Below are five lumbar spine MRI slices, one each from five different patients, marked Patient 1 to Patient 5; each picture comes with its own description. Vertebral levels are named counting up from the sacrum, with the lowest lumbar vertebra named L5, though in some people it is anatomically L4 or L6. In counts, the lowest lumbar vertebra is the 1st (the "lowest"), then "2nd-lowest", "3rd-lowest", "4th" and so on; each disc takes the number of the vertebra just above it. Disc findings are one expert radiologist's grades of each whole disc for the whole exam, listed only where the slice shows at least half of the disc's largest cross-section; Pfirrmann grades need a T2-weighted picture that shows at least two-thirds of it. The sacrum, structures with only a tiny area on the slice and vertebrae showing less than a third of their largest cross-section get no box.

Patient 1 of 5:
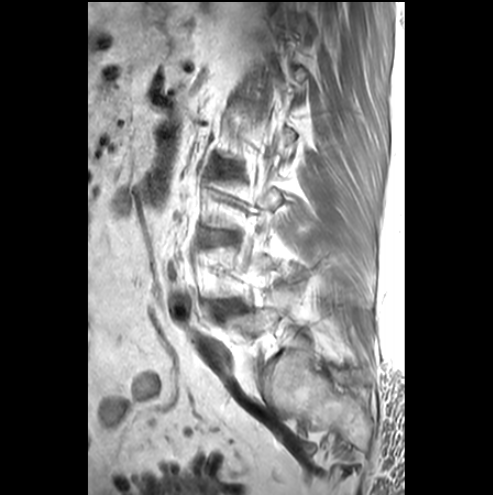

Image 493x495 | MRI lumbar spine (T1-weighted), sagittal plane
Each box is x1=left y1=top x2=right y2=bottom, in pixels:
- IVD L3/L4 (3rd-lowest disc) = x1=209 y1=232 x2=234 y2=242
- IVD L4/L5 (2nd-lowest disc) = x1=214 y1=300 x2=240 y2=315

Patient 2 of 5:
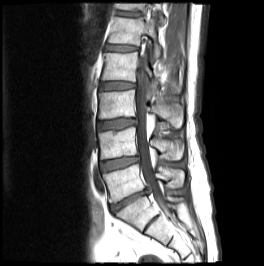 MRI lumbar spine (T1-weighted), sagittal plane; Field of view 264x266 mm; Patient sex: M; 264x266 px
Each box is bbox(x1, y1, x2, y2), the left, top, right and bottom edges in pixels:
4th disc at bbox(100, 83, 135, 89); lowest disc at bbox(110, 187, 151, 212); 2nd-lowest disc at bbox(100, 158, 137, 170); 5th disc at bbox(106, 46, 137, 51); 5th vertebra at bbox(108, 15, 161, 59); 3rd-lowest disc at bbox(98, 120, 136, 130); 2nd-lowest vertebra at bbox(98, 127, 183, 159); 4th vertebra at bbox(101, 52, 180, 91); lowest vertebra at bbox(103, 164, 183, 202); 6th vertebra at bbox(117, 4, 165, 24); 6th disc at bbox(116, 11, 141, 16); 3rd-lowest vertebra at bbox(98, 90, 182, 128); thecal sac / spinal canal at bbox(135, 53, 168, 212).

Per-level radiological findings:
  2nd-lowest disc: disc bulging
  3rd-lowest disc: disc bulging, upper-endplate change
  6th disc: lower-endplate change, upper-endplate change
  lowest disc: disc narrowing, disc bulging, disc herniation, Modic type II
  5th disc: upper-endplate change, lower-endplate change, Modic type II
  4th disc: Modic type II

Patient 3 of 5:
SIEMENS Avanto_fit (1.5T) | Lumbar spine MR, T2-weighted, sagittal | Sagittal slice index 4

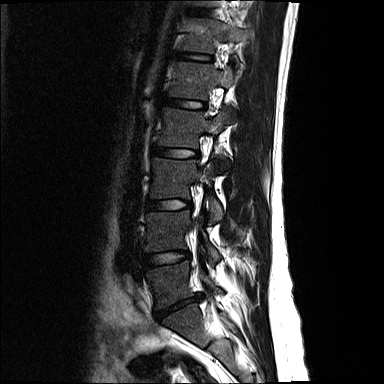

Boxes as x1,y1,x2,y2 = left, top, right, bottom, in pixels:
{"L5": "146,261,222,308", "disc T12/L1": "175,52,209,60", "L5/S1": "156,294,201,318", "L2": "158,107,234,167", "T12 vertebra": "181,19,250,53", "L1": "169,62,239,99", "L4/L5": "144,251,189,267", "L3": "150,158,222,222", "disc L1/L2": "163,97,204,108", "L4 vertebra": "145,210,220,263", "L2/L3": "153,147,197,157", "L3/L4": "146,200,191,209"}

Per-level radiological findings:
- L3/L4: Pfirrmann grade 2
- L4/L5: Pfirrmann grade 2, disc bulging
- L5/S1: Pfirrmann grade 5, disc narrowing, disc herniation
- L2/L3: Pfirrmann grade 2
- L1/L2: Pfirrmann grade 2
- T12/L1: Pfirrmann grade 2

Patient 4 of 5:
MRI lumbar spine (T1-weighted), sagittal plane, Image 559x578, Scanner: Philips Healthcare Ingenia (3T)

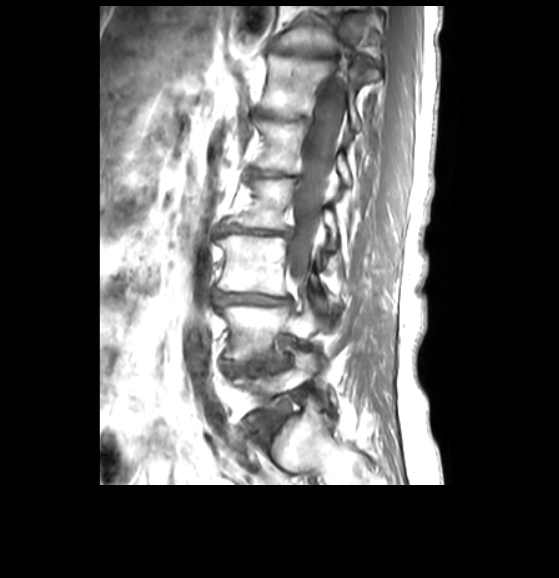
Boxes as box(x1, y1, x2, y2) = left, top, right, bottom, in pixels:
Annotations:
• 4th vertebra — box(225, 179, 337, 248)
• 4th disc — box(220, 225, 291, 235)
• 5th vertebra — box(255, 120, 351, 183)
• thecal sac / spinal canal — box(286, 69, 345, 289)
• 5th disc — box(248, 169, 294, 176)
• 3rd-lowest disc — box(215, 291, 289, 304)
• lowest vertebra — box(233, 352, 317, 419)
• 6th vertebra — box(261, 54, 361, 129)
• 6th disc — box(258, 110, 310, 120)
• 7th vertebra — box(277, 27, 337, 53)
• 2nd-lowest disc — box(225, 360, 286, 374)
• 3rd-lowest vertebra — box(218, 235, 331, 310)
• 7th disc — box(276, 48, 334, 58)
• 2nd-lowest vertebra — box(218, 300, 322, 364)

Expert MSK radiologist gradings (per disc):
- 2nd-lowest disc: disc bulging
- 7th disc: disc narrowing
- 3rd-lowest disc: disc narrowing, disc bulging

Patient 5 of 5:
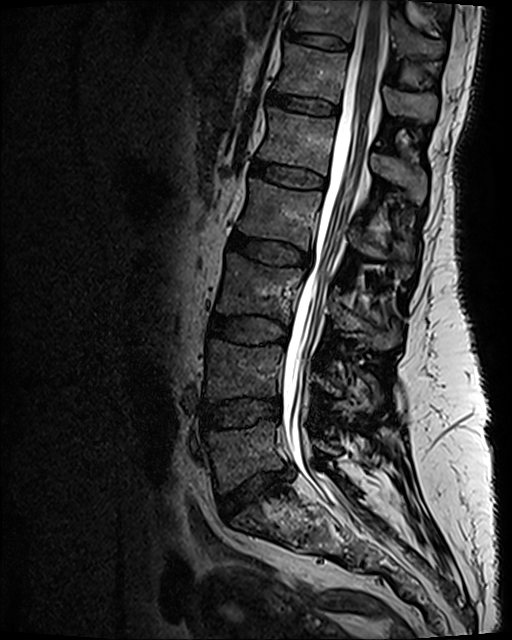

Sagittal T2 SPACE (3D) lumbar spine MRI; Slice 60 of 120; Sex F

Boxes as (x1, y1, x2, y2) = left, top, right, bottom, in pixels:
Structures:
- L4 vertebra = (204, 340, 380, 412)
- L1/L2 = (251, 161, 326, 187)
- intervertebral disc L5/S1 = (220, 470, 288, 518)
- T12 vertebra = (275, 43, 437, 121)
- L1 vertebra = (258, 108, 426, 204)
- L4/L5 = (200, 398, 280, 427)
- T11/T12 = (284, 30, 350, 51)
- spinal canal = (282, 0, 387, 514)
- L3/L4 = (210, 315, 286, 343)
- T11 vertebra = (290, 0, 445, 58)
- L2 vertebra = (239, 179, 412, 278)
- L5 = (206, 422, 338, 492)
- intervertebral disc T12/L1 = (268, 92, 337, 114)
- intervertebral disc L2/L3 = (229, 232, 310, 266)
- L3 vertebra = (215, 254, 399, 349)

Expert MSK radiologist gradings (per disc):
  L4/L5: Pfirrmann grade 3, disc bulging
  T11/T12: Pfirrmann grade 2
  T12/L1: Pfirrmann grade 2
  L1/L2: Pfirrmann grade 2
  L5/S1: Pfirrmann grade 3, disc narrowing, upper-endplate change, disc herniation, lower-endplate change
  L3/L4: Pfirrmann grade 3
  L2/L3: Pfirrmann grade 3, disc bulging